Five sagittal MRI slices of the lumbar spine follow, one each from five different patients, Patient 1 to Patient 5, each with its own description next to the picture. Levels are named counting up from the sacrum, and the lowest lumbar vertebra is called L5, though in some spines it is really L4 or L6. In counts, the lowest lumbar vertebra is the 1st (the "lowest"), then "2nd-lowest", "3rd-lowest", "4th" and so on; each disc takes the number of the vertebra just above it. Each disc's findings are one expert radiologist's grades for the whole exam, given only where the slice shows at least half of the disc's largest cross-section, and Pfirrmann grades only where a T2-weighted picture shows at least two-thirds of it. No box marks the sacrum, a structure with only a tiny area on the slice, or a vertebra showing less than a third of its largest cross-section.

Patient 1 of 5:
T1-weighted sagittal MRI of the lumbar spine; Slice spacing 4.4 mm
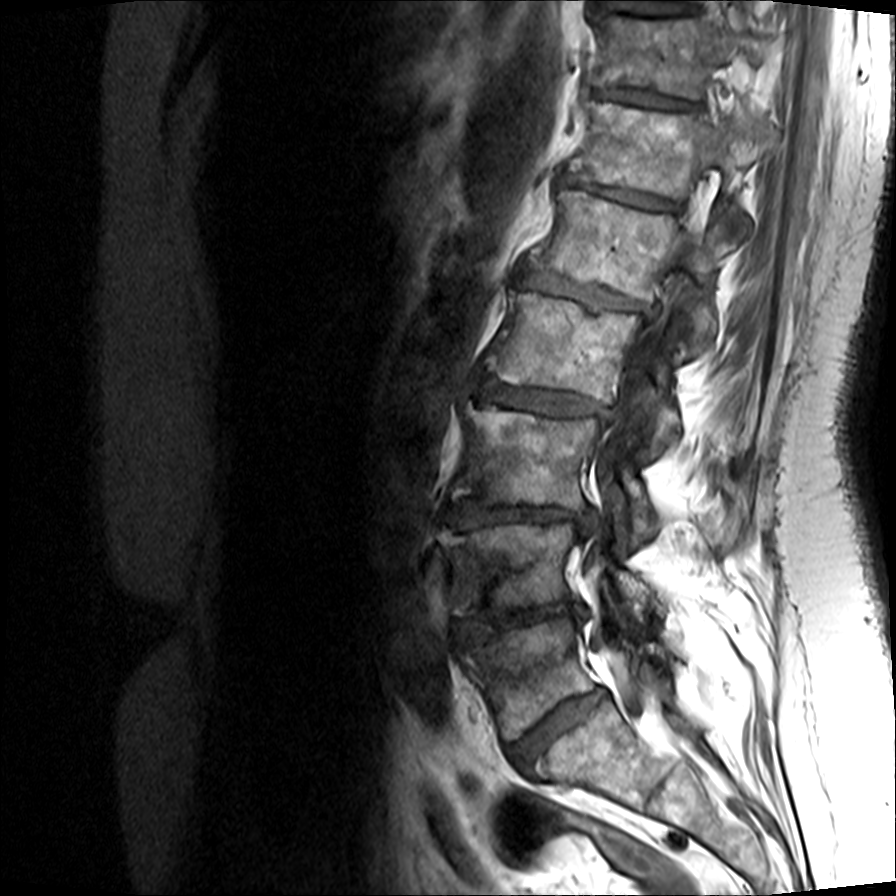
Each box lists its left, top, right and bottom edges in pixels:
{"intervertebral disc L4/L5 (2nd-lowest disc)": "left=453, top=604, right=585, bottom=646", "intervertebral disc L1/L2 (5th disc)": "left=519, top=268, right=659, bottom=316", "spinal canal": "left=590, top=230, right=696, bottom=707", "T11 (7th vertebra)": "left=597, top=16, right=769, bottom=98", "intervertebral disc T11/T12 (7th disc)": "left=597, top=89, right=698, bottom=109", "L4 (2nd-lowest vertebra)": "left=442, top=523, right=654, bottom=619", "L3 (3rd-lowest vertebra)": "left=453, top=402, right=658, bottom=542", "T12/L1 (6th disc)": "left=563, top=174, right=679, bottom=209", "T12 (6th vertebra)": "left=571, top=102, right=772, bottom=236", "L2 (4th vertebra)": "left=486, top=291, right=681, bottom=453", "L5 (lowest vertebra)": "left=463, top=619, right=677, bottom=740", "intervertebral disc L2/L3 (4th disc)": "left=474, top=375, right=610, bottom=419", "L5/S1 (lowest disc)": "left=509, top=691, right=604, bottom=769", "L3/L4 (3rd-lowest disc)": "left=447, top=500, right=598, bottom=534", "L1 (5th vertebra)": "left=530, top=191, right=733, bottom=353"}

Degenerative findings by level:
  T12/L1 (6th disc): Modic type II, upper-endplate change, disc bulging, disc narrowing, lower-endplate change
  L1/L2 (5th disc): upper-endplate change, disc narrowing, disc bulging, lower-endplate change, Modic type II
  L2/L3 (4th disc): upper-endplate change, disc bulging, disc narrowing, Modic type II, lower-endplate change
  L5/S1 (lowest disc): lower-endplate change, upper-endplate change, disc bulging, disc narrowing, Modic type II
  L4/L5 (2nd-lowest disc): Modic type II, disc narrowing, lower-endplate change, disc herniation, upper-endplate change
  L3/L4 (3rd-lowest disc): lower-endplate change, Modic type II, upper-endplate change, disc narrowing, disc herniation
  T11/T12 (7th disc): lower-endplate change, Modic type II, upper-endplate change, disc narrowing

Patient 2 of 5:
Slice spacing 4.4 mm; Slice 6 of 22; Sex M; Lumbar spine MR, T1-weighted, sagittal

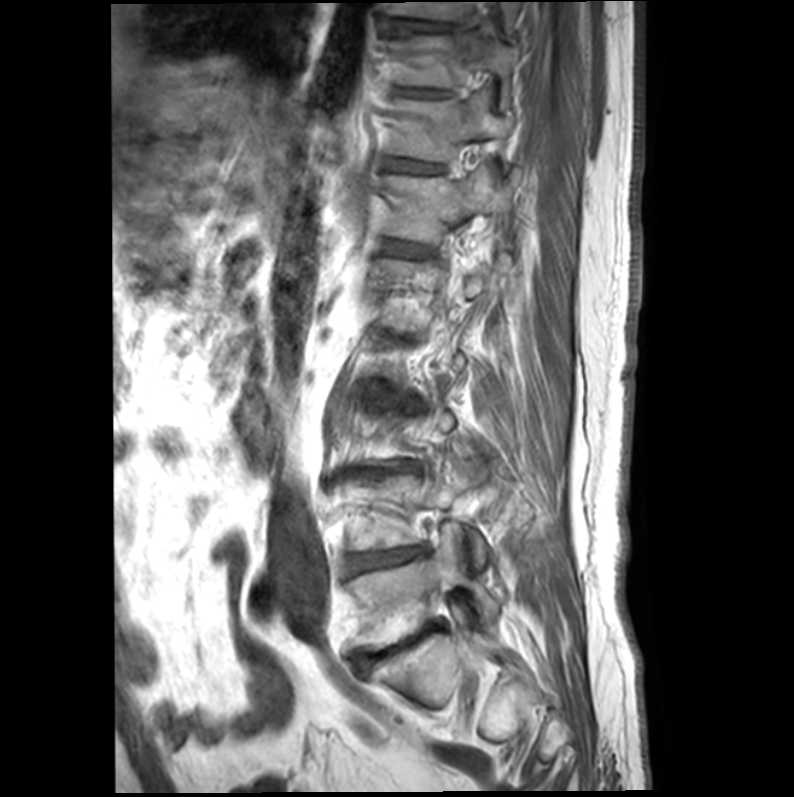 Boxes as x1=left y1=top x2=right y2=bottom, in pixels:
Lowest disc at x1=354 y1=622 x2=440 y2=667.
9th disc at x1=387 y1=20 x2=452 y2=31.
7th disc at x1=386 y1=159 x2=438 y2=172.
Lowest vertebra at x1=348 y1=537 x2=499 y2=649.
6th vertebra at x1=384 y1=168 x2=511 y2=242.
8th vertebra at x1=397 y1=32 x2=517 y2=109.
6th disc at x1=381 y1=241 x2=423 y2=256.
9th vertebra at x1=390 y1=1 x2=518 y2=31.
7th vertebra at x1=390 y1=95 x2=511 y2=161.
8th disc at x1=396 y1=88 x2=438 y2=96.
2nd-lowest disc at x1=348 y1=547 x2=424 y2=574.

Degenerative findings by level:
• 2nd-lowest disc: lower-endplate change, disc bulging, upper-endplate change, disc narrowing, Modic type II
• lowest disc: disc bulging, upper-endplate change, disc narrowing, lower-endplate change, Modic type II
• 7th disc, 9th disc: no herniation, bulging, narrowing, spondylolisthesis, endplate or Modic change recorded

Patient 3 of 5:
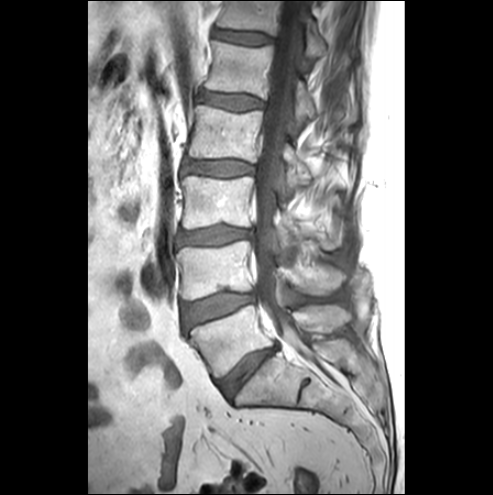
Slice spacing 3.3 mm, Image 493x495, Slice 12 of 25, Lumbar spine MR, T1-weighted, sagittal
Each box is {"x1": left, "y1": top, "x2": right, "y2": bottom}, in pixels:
T12/L1: {"x1": 213, "y1": 28, "x2": 272, "y2": 44}
L2: {"x1": 188, "y1": 105, "x2": 310, "y2": 185}
thecal sac / spinal canal: {"x1": 252, "y1": 1, "x2": 305, "y2": 332}
L4/L5: {"x1": 184, "y1": 292, "x2": 254, "y2": 326}
L5: {"x1": 189, "y1": 305, "x2": 351, "y2": 376}
L3/L4: {"x1": 179, "y1": 226, "x2": 249, "y2": 244}
L4: {"x1": 176, "y1": 239, "x2": 344, "y2": 299}
intervertebral disc L1/L2: {"x1": 199, "y1": 90, "x2": 262, "y2": 109}
L1 vertebra: {"x1": 205, "y1": 41, "x2": 353, "y2": 121}
T12 vertebra: {"x1": 217, "y1": 1, "x2": 326, "y2": 59}
intervertebral disc L5/S1: {"x1": 218, "y1": 347, "x2": 275, "y2": 396}
L3 vertebra: {"x1": 181, "y1": 176, "x2": 340, "y2": 249}
intervertebral disc L2/L3: {"x1": 183, "y1": 160, "x2": 252, "y2": 176}

Per-level radiological findings:
- L4/L5: disc bulging, Modic type III
- L3/L4: disc bulging
- L5/S1: disc bulging, disc narrowing
- L1/L2, T12/L1, L2/L3: no Modic or endplate change, herniation, narrowing, bulging or spondylolisthesis recorded

Patient 4 of 5:
Lumbar spine MR, T2 SPACE (3D), sagittal

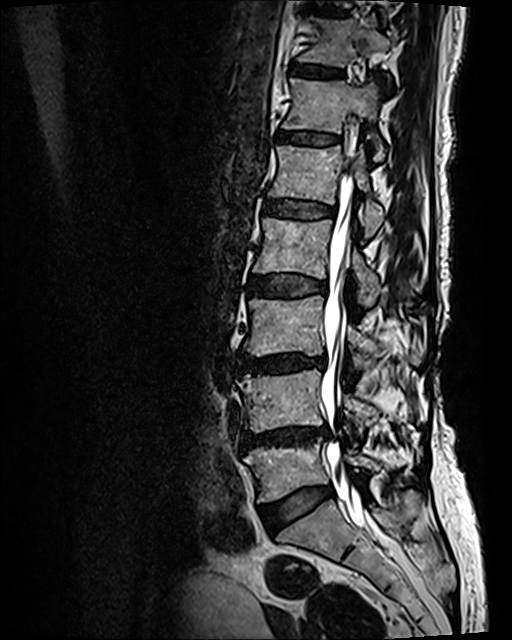 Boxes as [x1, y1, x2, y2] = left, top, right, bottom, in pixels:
{"intervertebral disc T12/L1": "[277, 132, 338, 145]", "L3 vertebra": "[243, 295, 423, 372]", "L3/L4": "[236, 352, 326, 373]", "intervertebral disc L1/L2": "[264, 200, 333, 219]", "T10/T11": "[310, 8, 344, 14]", "L4 vertebra": "[236, 369, 379, 431]", "L4/L5": "[242, 426, 329, 450]", "T11/T12": "[292, 64, 342, 78]", "intervertebral disc L5/S1": "[259, 487, 332, 529]", "L5 vertebra": "[244, 440, 379, 502]", "L2 vertebra": "[253, 218, 380, 305]", "L1": "[269, 145, 384, 237]", "T11 vertebra": "[298, 15, 392, 78]", "intervertebral disc L2/L3": "[252, 274, 326, 297]", "thecal sac / spinal canal": "[321, 152, 378, 541]", "T12": "[282, 79, 384, 160]"}

Per-level radiological findings:
- T12/L1: Pfirrmann grade 2, upper-endplate change, Modic type II, lower-endplate change
- T11/T12: upper-endplate change, Modic type II, lower-endplate change
- L4/L5: Pfirrmann grade 4, Modic type II, disc narrowing, upper-endplate change, lower-endplate change, disc bulging
- L1/L2: Pfirrmann grade 3, Modic type II, lower-endplate change, upper-endplate change
- L5/S1: Pfirrmann grade 2, disc bulging
- L2/L3: Pfirrmann grade 3, lower-endplate change, Modic type II, disc bulging, upper-endplate change
- L3/L4: Pfirrmann grade 4, disc narrowing, Modic type II, lower-endplate change, disc bulging, upper-endplate change

Patient 5 of 5:
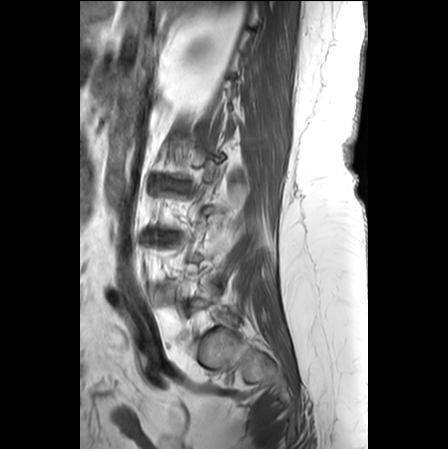 Slice 6/25. 448x449 px. T1-weighted sagittal MRI of the lumbar spine.
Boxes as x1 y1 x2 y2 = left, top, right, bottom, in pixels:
Segmented structures:
* 4th disc at 157 180 187 193
* 3rd-lowest disc at 149 231 177 241

Radiological gradings:
- 4th disc: upper-endplate change, Modic type II, lower-endplate change, disc narrowing, disc herniation
- 3rd-lowest disc: disc narrowing, lower-endplate change, upper-endplate change, disc bulging